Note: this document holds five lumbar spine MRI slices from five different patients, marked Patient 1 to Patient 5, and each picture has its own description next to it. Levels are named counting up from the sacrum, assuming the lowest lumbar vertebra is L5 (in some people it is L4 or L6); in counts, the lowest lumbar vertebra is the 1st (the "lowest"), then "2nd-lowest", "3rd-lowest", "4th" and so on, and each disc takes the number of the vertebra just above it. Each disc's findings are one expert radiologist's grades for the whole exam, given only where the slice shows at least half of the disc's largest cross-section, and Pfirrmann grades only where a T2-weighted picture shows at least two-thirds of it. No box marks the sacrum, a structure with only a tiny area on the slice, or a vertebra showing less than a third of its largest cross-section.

Patient 1 of 5:
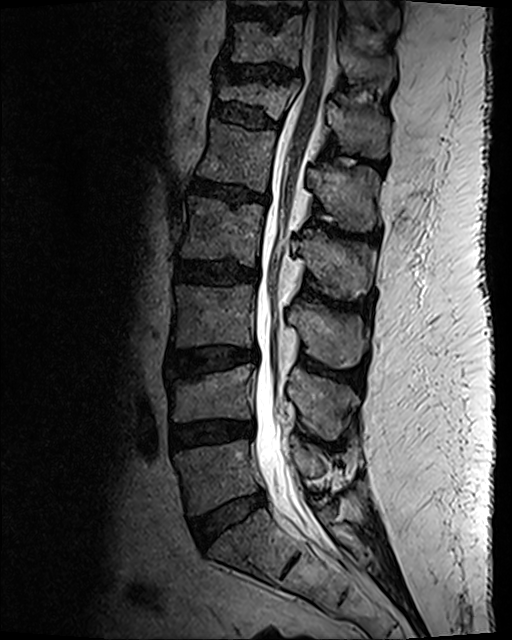 MRI lumbar spine (T2 SPACE (3D)), sagittal plane.

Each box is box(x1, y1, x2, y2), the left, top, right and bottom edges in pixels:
Segmented structures:
* IVD T11/T12 at box(227, 66, 299, 82)
* L2 vertebra at box(180, 198, 370, 300)
* IVD T10/T11 at box(235, 11, 299, 22)
* L5 at box(176, 436, 325, 515)
* thecal sac / spinal canal at box(254, 1, 336, 542)
* T12/L1 at box(212, 101, 278, 129)
* IVD L1/L2 at box(191, 180, 266, 206)
* L3 vertebra at box(171, 285, 365, 368)
* T11 at box(223, 16, 395, 90)
* L2/L3 at box(177, 260, 258, 284)
* IVD L3/L4 at box(169, 349, 257, 375)
* IVD L5/S1 at box(190, 491, 265, 546)
* L4 vertebra at box(163, 366, 356, 440)
* L1 vertebra at box(197, 121, 377, 231)
* L4/L5 at box(171, 422, 252, 447)
* T12 vertebra at box(218, 84, 389, 157)

Expert MSK radiologist gradings (per disc):
  L1/L2: Pfirrmann grade 3, upper-endplate change, Modic type II, lower-endplate change, disc bulging, disc narrowing
  L2/L3: Pfirrmann grade 3, lower-endplate change, disc bulging
  T11/T12: Pfirrmann grade 2, lower-endplate change, disc narrowing, disc bulging, upper-endplate change
  L4/L5: Pfirrmann grade 3, disc narrowing, disc bulging
  L5/S1: Pfirrmann grade 2, disc bulging
  L3/L4: Pfirrmann grade 3, upper-endplate change, disc bulging, Modic type II, lower-endplate change
  T12/L1: Pfirrmann grade 2, spondylolisthesis, lower-endplate change, disc bulging, upper-endplate change

Patient 2 of 5:
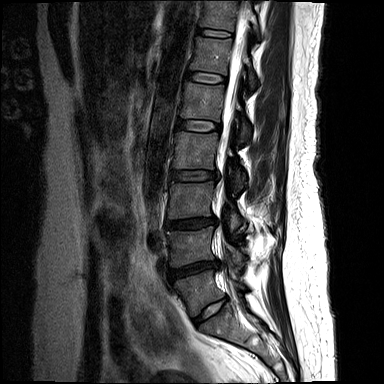 Sagittal slice index 9 | Field of view 280x280 mm, slice spacing 4.4 mm | Sagittal T2-weighted lumbar spine MRI

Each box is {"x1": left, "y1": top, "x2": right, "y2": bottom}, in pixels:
L3/L4 — {"x1": 165, "y1": 218, "x2": 215, "y2": 228} | T12 vertebra — {"x1": 190, "y1": 37, "x2": 256, "y2": 87} | IVD L2/L3 — {"x1": 171, "y1": 171, "x2": 216, "y2": 180} | L2 — {"x1": 173, "y1": 131, "x2": 246, "y2": 192} | L5 — {"x1": 173, "y1": 270, "x2": 245, "y2": 316} | IVD T12/L1 — {"x1": 186, "y1": 72, "x2": 226, "y2": 82} | T11 — {"x1": 200, "y1": 0, "x2": 261, "y2": 39} | L5/S1 — {"x1": 192, "y1": 297, "x2": 228, "y2": 326} | IVD L1/L2 — {"x1": 177, "y1": 119, "x2": 219, "y2": 131} | thecal sac / spinal canal — {"x1": 216, "y1": 9, "x2": 249, "y2": 292} | L4 vertebra — {"x1": 167, "y1": 227, "x2": 245, "y2": 267} | L1 vertebra — {"x1": 181, "y1": 82, "x2": 250, "y2": 141} | IVD T11/T12 — {"x1": 196, "y1": 28, "x2": 231, "y2": 37} | L3 — {"x1": 168, "y1": 181, "x2": 240, "y2": 232} | IVD L4/L5 — {"x1": 169, "y1": 261, "x2": 220, "y2": 279}

Per-level radiological findings:
- L1/L2: Pfirrmann grade 2
- L2/L3: Pfirrmann grade 3, disc bulging
- L5/S1: Pfirrmann grade 2
- L4/L5: Pfirrmann grade 4, disc narrowing, disc herniation, upper-endplate change, lower-endplate change, Modic type II
- T11/T12: Pfirrmann grade 2
- L3/L4: Pfirrmann grade 4, upper-endplate change, disc bulging
- T12/L1: Pfirrmann grade 2

Patient 3 of 5:
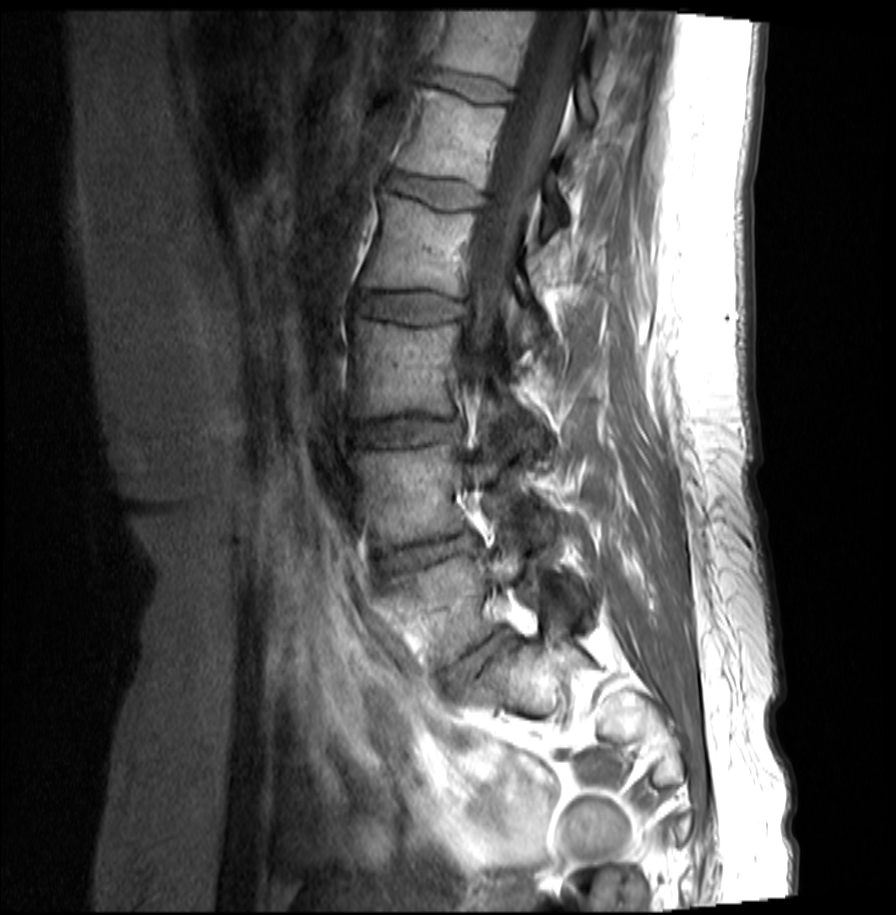
Slice 10 of 23. MRI lumbar spine (T1-weighted), sagittal plane.

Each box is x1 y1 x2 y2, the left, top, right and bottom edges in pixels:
Spinal canal at 467 11 585 374, intervertebral disc L4/L5 (2nd-lowest disc) at 383 537 470 569, L2 (4th vertebra) at 364 192 543 344, intervertebral disc T12/L1 (6th disc) at 425 70 513 102, intervertebral disc L3/L4 (3rd-lowest disc) at 353 417 459 441, L1 (5th vertebra) at 398 86 564 227, L5/S1 (lowest disc) at 451 631 504 683, intervertebral disc L1/L2 (5th disc) at 388 172 483 210, T12 (6th vertebra) at 430 11 596 124, L4 (2nd-lowest vertebra) at 348 434 550 547, L2/L3 (4th disc) at 359 292 464 324, L5 (lowest vertebra) at 386 528 579 664, L3 (3rd-lowest vertebra) at 351 317 539 450.

Degenerative findings by level:
  L3/L4 (3rd-lowest disc): disc bulging
  T12/L1 (6th disc), L2/L3 (4th disc), L1/L2 (5th disc): no spondylolisthesis, narrowing, bulging, herniation, Modic or endplate change recorded

Patient 4 of 5:
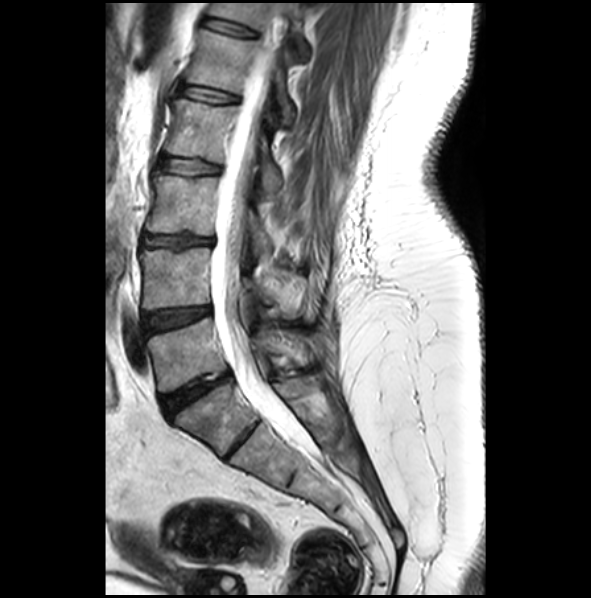
MRI lumbar spine (T2-weighted), sagittal plane; Sex F

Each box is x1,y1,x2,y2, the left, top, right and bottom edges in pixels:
* intervertebral disc L1/L2 — 179,84,237,102
* L2/L3 — 158,156,218,174
* intervertebral disc T12/L1 — 205,19,255,36
* L2 vertebra — 165,99,281,189
* L5 — 148,317,281,391
* spinal canal — 211,29,300,440
* intervertebral disc L4/L5 — 141,307,210,334
* L4 vertebra — 139,248,291,316
* L1 — 186,29,293,125
* L3 — 146,174,272,254
* L5/S1 — 161,371,231,417
* T12 vertebra — 210,2,309,58
* intervertebral disc L3/L4 — 141,234,211,247

Expert MSK radiologist gradings (per disc):
  L5/S1: Pfirrmann grade 4, lower-endplate change, disc bulging, upper-endplate change
  L3/L4: Pfirrmann grade 3, disc bulging, lower-endplate change, upper-endplate change, Modic type II, disc narrowing
  T12/L1: Pfirrmann grade 2
  L1/L2: Pfirrmann grade 2
  L4/L5: Pfirrmann grade 3, disc bulging
  L2/L3: Pfirrmann grade 2

Patient 5 of 5:
MRI lumbar spine (T2 SPACE (3D)), sagittal plane, Patient sex: M
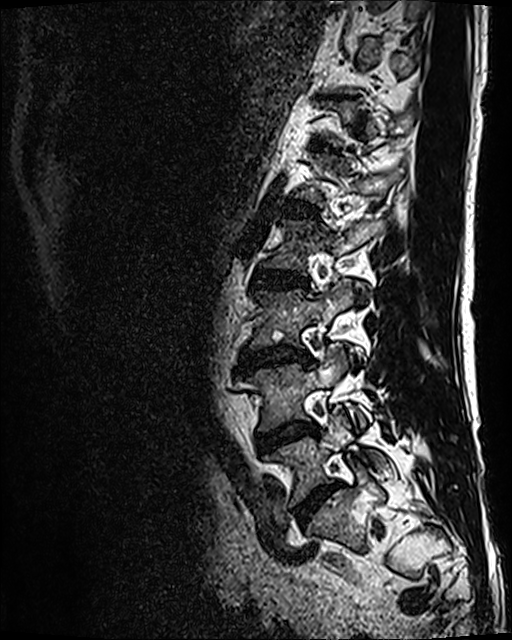

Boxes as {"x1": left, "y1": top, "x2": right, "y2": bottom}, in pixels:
{"4th disc": {"x1": 252, "y1": 270, "x2": 306, "y2": 289}, "3rd-lowest disc": {"x1": 239, "y1": 346, "x2": 311, "y2": 368}, "2nd-lowest disc": {"x1": 258, "y1": 421, "x2": 318, "y2": 452}, "lowest disc": {"x1": 295, "y1": 485, "x2": 335, "y2": 524}, "5th disc": {"x1": 279, "y1": 200, "x2": 318, "y2": 216}, "3rd-lowest vertebra": {"x1": 250, "y1": 278, "x2": 361, "y2": 361}, "lowest vertebra": {"x1": 265, "y1": 412, "x2": 385, "y2": 507}, "4th vertebra": {"x1": 264, "y1": 219, "x2": 386, "y2": 302}, "2nd-lowest vertebra": {"x1": 239, "y1": 344, "x2": 365, "y2": 430}}

Radiological gradings:
- 2nd-lowest disc: Pfirrmann grade 3, Modic type II, disc bulging
- 4th disc: disc bulging, Modic type II
- 3rd-lowest disc: Pfirrmann grade 4, disc narrowing, Modic type II, disc bulging